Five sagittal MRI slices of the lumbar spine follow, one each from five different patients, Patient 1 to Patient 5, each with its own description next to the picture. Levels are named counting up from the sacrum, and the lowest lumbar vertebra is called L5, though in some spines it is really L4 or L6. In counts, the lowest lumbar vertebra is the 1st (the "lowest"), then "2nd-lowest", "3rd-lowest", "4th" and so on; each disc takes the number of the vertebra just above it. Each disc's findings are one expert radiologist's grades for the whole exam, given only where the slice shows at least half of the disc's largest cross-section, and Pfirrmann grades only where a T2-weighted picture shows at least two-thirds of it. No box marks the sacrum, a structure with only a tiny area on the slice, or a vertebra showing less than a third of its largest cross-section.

Patient 1 of 5:
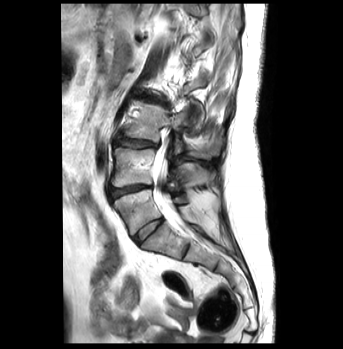

MRI lumbar spine (T2-weighted), sagittal plane | Slice 24/43

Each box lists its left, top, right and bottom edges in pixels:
Structures:
• L5: left=113, top=190, right=185, bottom=235
• intervertebral disc L4/L5: left=109, top=185, right=151, bottom=200
• L3/L4: left=114, top=133, right=156, bottom=148
• thecal sac / spinal canal: left=154, top=138, right=185, bottom=227
• L2/L3: left=135, top=94, right=168, bottom=106
• L5/S1: left=133, top=218, right=163, bottom=243
• L4: left=111, top=148, right=210, bottom=187
• L3: left=123, top=105, right=221, bottom=157

Per-level radiological findings:
  L4/L5: Pfirrmann grade 4, Modic type II, lower-endplate change, disc bulging, disc narrowing
  L2/L3: Modic type II, disc bulging, disc narrowing, lower-endplate change
  L3/L4: Pfirrmann grade 3, disc bulging, Modic type II
  L5/S1: Pfirrmann grade 1

Patient 2 of 5:
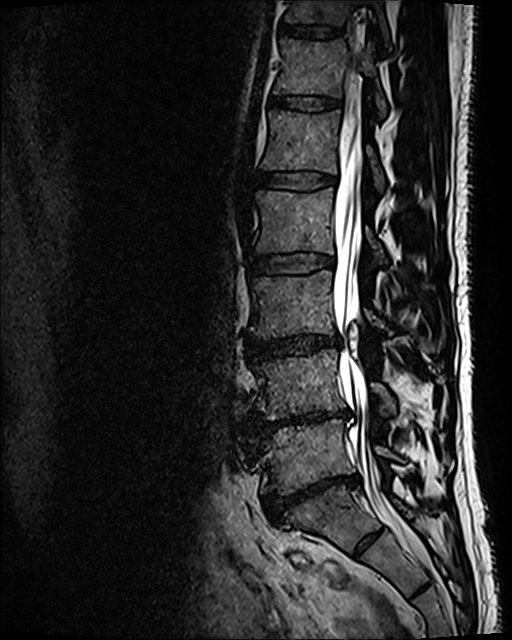 Slice 66/120. MRI lumbar spine (T2 SPACE (3D)), sagittal plane.
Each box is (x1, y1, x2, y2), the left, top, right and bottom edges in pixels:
Annotations:
* T11 vertebra = (283, 0, 389, 52)
* L3 = (250, 270, 445, 353)
* thecal sac / spinal canal = (332, 55, 427, 565)
* intervertebral disc L1/L2 = (257, 170, 335, 189)
* L4/L5 = (251, 410, 347, 430)
* L2 = (256, 187, 384, 257)
* T12/L1 = (270, 95, 341, 111)
* L1 = (261, 109, 384, 188)
* intervertebral disc L3/L4 = (246, 335, 340, 359)
* L5 = (258, 420, 448, 494)
* intervertebral disc L5/S1 = (263, 474, 361, 522)
* T12 vertebra = (273, 40, 387, 113)
* L4 vertebra = (255, 349, 395, 420)
* intervertebral disc T11/T12 = (278, 25, 343, 40)
* intervertebral disc L2/L3 = (249, 253, 333, 273)

Expert MSK radiologist gradings (per disc):
• T12/L1: Pfirrmann grade 2
• T11/T12: Pfirrmann grade 2
• L3/L4: Pfirrmann grade 3, disc bulging, disc narrowing
• L1/L2: Pfirrmann grade 2
• L5/S1: Pfirrmann grade 5, lower-endplate change, disc narrowing, spondylolisthesis, disc bulging
• L2/L3: Pfirrmann grade 2

Patient 3 of 5:
Sagittal T2 SPACE (3D) lumbar spine MRI. 512x640 px.

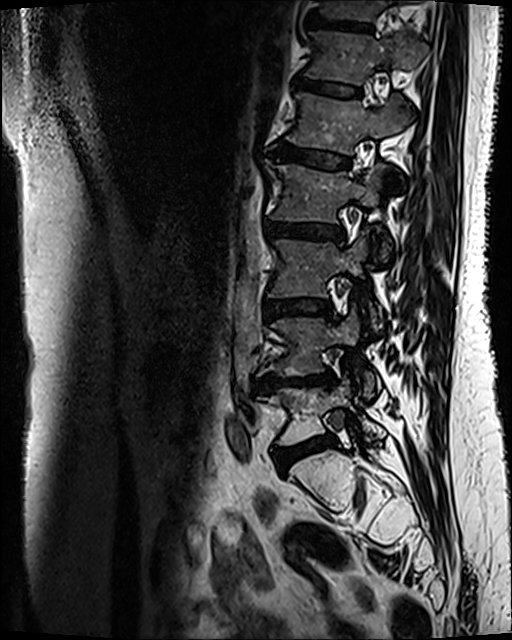
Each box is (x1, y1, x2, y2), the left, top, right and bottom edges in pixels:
L3/L4 at (263, 299, 331, 316), L1 vertebra at (287, 93, 409, 154), IVD T12/L1 at (295, 80, 361, 96), L4/L5 at (252, 371, 333, 392), T12 at (306, 32, 426, 83), L4 at (258, 308, 378, 398), IVD L2/L3 at (267, 222, 344, 239), IVD T11/T12 at (309, 18, 372, 31), L2 vertebra at (273, 164, 385, 258), T11 at (320, 0, 416, 20), IVD L5/S1 at (273, 435, 336, 470), L5 at (263, 381, 384, 445), IVD L1/L2 at (272, 143, 348, 167), L3 at (269, 234, 379, 328).

Per-level radiological findings:
• L1/L2: Pfirrmann grade 3, Modic type II
• T12/L1: Pfirrmann grade 3, Modic type II
• L3/L4: Pfirrmann grade 3, disc bulging, Modic type II
• L5/S1: Modic type II, disc bulging
• T11/T12: Modic type II, upper-endplate change, lower-endplate change
• L4/L5: disc bulging, lower-endplate change, upper-endplate change, Modic type II, disc narrowing
• L2/L3: Pfirrmann grade 3, Modic type II, disc bulging

Patient 4 of 5:
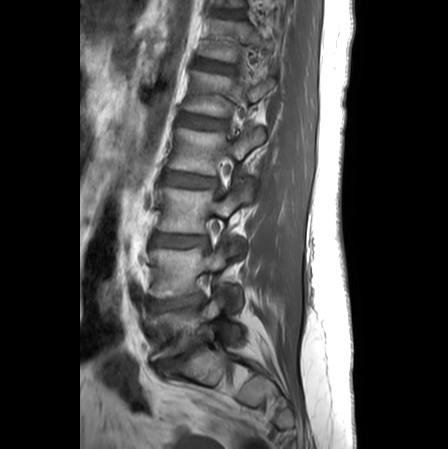 Lumbar spine MR, T1-weighted, sagittal

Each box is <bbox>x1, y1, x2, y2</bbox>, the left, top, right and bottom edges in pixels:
Intervertebral disc T11/T12 at <bbox>217, 9, 240, 16</bbox>, intervertebral disc L4/L5 at <bbox>151, 294, 204, 311</bbox>, intervertebral disc T12/L1 at <bbox>196, 59, 233, 72</bbox>, intervertebral disc L1/L2 at <bbox>180, 115, 225, 129</bbox>, L5 vertebra at <bbox>151, 290, 243, 360</bbox>, L2 at <bbox>169, 127, 264, 174</bbox>, L5/S1 at <bbox>154, 340, 205, 369</bbox>, intervertebral disc L2/L3 at <bbox>165, 173, 217, 188</bbox>, L3 vertebra at <bbox>157, 179, 252, 233</bbox>, intervertebral disc L3/L4 at <bbox>152, 235, 207, 247</bbox>, T12 at <bbox>199, 19, 274, 61</bbox>, L1 vertebra at <bbox>184, 72, 274, 117</bbox>, L4 at <bbox>150, 245, 242, 307</bbox>.

Per-level radiological findings:
• L3/L4: disc bulging
• L2/L3: disc bulging
• L4/L5: disc bulging, disc narrowing
• T12/L1, L1/L2: no herniation, bulging, narrowing, spondylolisthesis, endplate or Modic change recorded

Patient 5 of 5:
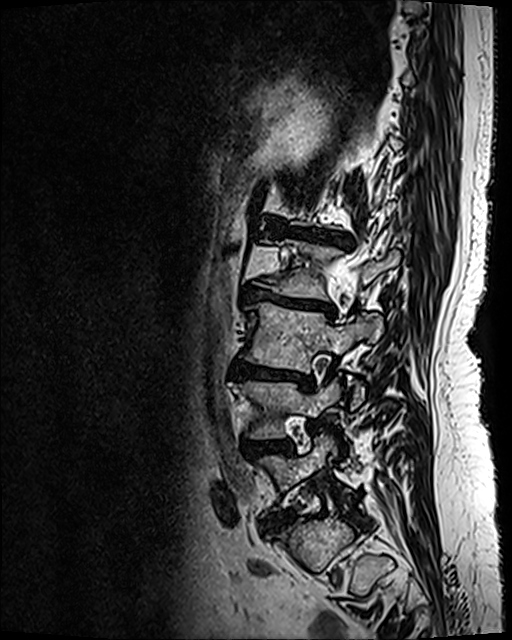 Sagittal T2 SPACE (3D) lumbar spine MRI
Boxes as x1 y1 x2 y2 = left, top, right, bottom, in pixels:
L4 at 231 382 340 439.
IVD L4/L5 at 242 437 293 457.
L5 vertebra at 259 435 347 509.
L5/S1 at 265 510 296 530.
L3 at 241 302 378 406.
L2 at 256 239 400 299.
L1/L2 at 272 224 351 244.
IVD L3/L4 at 229 362 313 388.
L2/L3 at 242 287 333 314.

Degenerative findings by level:
• L2/L3: Pfirrmann grade 5, Modic type II, disc narrowing, disc bulging, lower-endplate change, upper-endplate change
• L1/L2: Pfirrmann grade 5, Modic type II, disc bulging, disc narrowing, lower-endplate change, upper-endplate change
• L3/L4: Pfirrmann grade 5, disc narrowing, lower-endplate change, upper-endplate change, disc bulging, Modic type II